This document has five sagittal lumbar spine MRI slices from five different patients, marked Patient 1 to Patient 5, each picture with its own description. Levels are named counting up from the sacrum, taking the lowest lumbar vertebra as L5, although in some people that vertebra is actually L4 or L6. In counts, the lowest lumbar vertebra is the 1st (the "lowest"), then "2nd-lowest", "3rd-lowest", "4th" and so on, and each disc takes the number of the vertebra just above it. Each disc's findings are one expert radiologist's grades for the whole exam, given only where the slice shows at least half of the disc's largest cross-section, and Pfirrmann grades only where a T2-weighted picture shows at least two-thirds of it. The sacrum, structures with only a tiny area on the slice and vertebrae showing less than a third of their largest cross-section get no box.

Patient 1 of 5:
Sagittal slice index 19, Field of view 280x283 mm, slice spacing 3.3 mm, Sagittal T2-weighted lumbar spine MRI
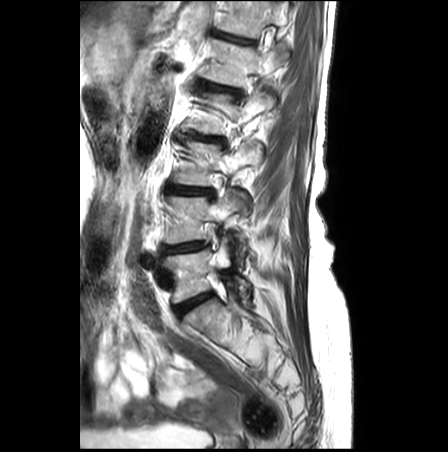

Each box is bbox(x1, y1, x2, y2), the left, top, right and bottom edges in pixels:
L2 (4th vertebra): bbox(187, 92, 275, 134).
Disc L3/L4 (3rd-lowest disc): bbox(168, 187, 212, 196).
Disc L2/L3 (4th disc): bbox(188, 135, 220, 141).
T12 (6th vertebra): bbox(218, 1, 288, 38).
L5/S1 (lowest disc): bbox(175, 294, 211, 315).
Disc T12/L1 (6th disc): bbox(218, 33, 254, 44).
L1/L2 (5th disc): bbox(207, 84, 237, 92).
L4 (2nd-lowest vertebra): bbox(164, 190, 248, 262).
L5 (lowest vertebra): bbox(166, 236, 249, 303).
L3 (3rd-lowest vertebra): bbox(174, 141, 261, 186).
L1 (5th vertebra): bbox(203, 40, 288, 86).
Disc L4/L5 (2nd-lowest disc): bbox(162, 242, 207, 254).

Per-level radiological findings:
• L4/L5 (2nd-lowest disc): disc bulging, Modic type II, lower-endplate change, disc narrowing, upper-endplate change
• T12/L1 (6th disc): upper-endplate change, lower-endplate change
• L3/L4 (3rd-lowest disc): disc narrowing, lower-endplate change, upper-endplate change, Modic type II, disc bulging

Patient 2 of 5:
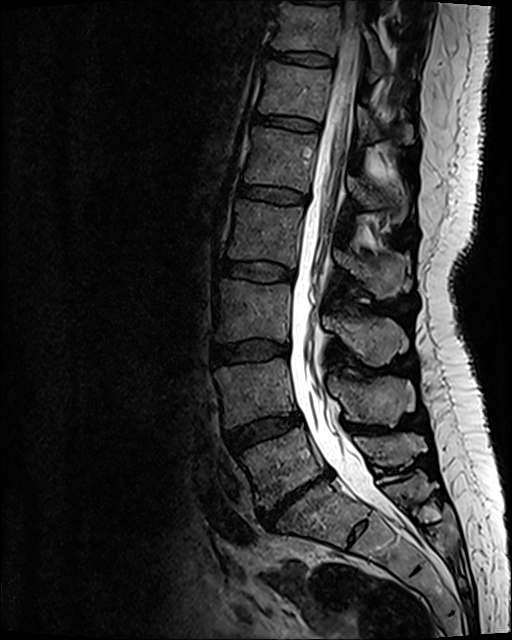

Slice 64 of 120 | Field of view 240x300 mm, slice spacing 0.9 mm | Sagittal T2 SPACE (3D) lumbar spine MRI
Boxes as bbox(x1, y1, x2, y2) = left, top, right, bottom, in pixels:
* lowest vertebra: bbox(241, 428, 425, 508)
* 4th vertebra: bbox(228, 201, 409, 300)
* 5th vertebra: bbox(245, 128, 407, 223)
* 3rd-lowest disc: bbox(212, 339, 288, 364)
* 3rd-lowest vertebra: bbox(216, 281, 407, 365)
* 6th vertebra: bbox(259, 63, 412, 141)
* 4th disc: bbox(218, 260, 294, 280)
* 5th disc: bbox(239, 184, 306, 204)
* 6th disc: bbox(255, 115, 319, 131)
* 2nd-lowest vertebra: bbox(215, 358, 414, 426)
* 2nd-lowest disc: bbox(227, 412, 301, 451)
* 7th disc: bbox(268, 50, 331, 65)
* spinal canal: bbox(290, 1, 404, 524)
* 7th vertebra: bbox(273, 5, 385, 71)
* lowest disc: bbox(258, 470, 331, 526)

Per-level radiological findings:
• 3rd-lowest disc: Pfirrmann grade 2, disc bulging
• 2nd-lowest disc: Pfirrmann grade 3, disc bulging
• 6th disc: Pfirrmann grade 2
• lowest disc: Pfirrmann grade 5, Modic type III, upper-endplate change, lower-endplate change, disc herniation, disc narrowing, disc bulging
• 5th disc: Pfirrmann grade 2
• 4th disc: Pfirrmann grade 2
• 7th disc: Pfirrmann grade 2

Patient 3 of 5:
Lumbar spine MR, T2-weighted, sagittal | Slice 15/20 | Image 556x557
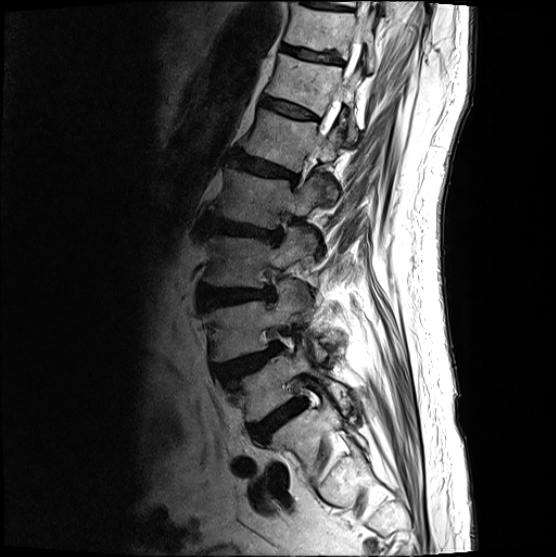
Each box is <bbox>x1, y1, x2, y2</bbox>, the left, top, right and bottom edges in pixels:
{"2nd-lowest disc": "<bbox>216, 342, 282, 382</bbox>", "lowest vertebra": "<bbox>228, 346, 345, 422</bbox>", "6th vertebra": "<bbox>266, 53, 360, 141</bbox>", "spinal canal": "<bbox>313, 1, 373, 154</bbox>", "3rd-lowest vertebra": "<bbox>203, 226, 312, 308</bbox>", "5th disc": "<bbox>228, 150, 299, 182</bbox>", "7th vertebra": "<bbox>284, 2, 377, 71</bbox>", "lowest disc": "<bbox>250, 399, 306, 442</bbox>", "6th disc": "<bbox>262, 97, 317, 119</bbox>", "4th vertebra": "<bbox>209, 166, 320, 247</bbox>", "2nd-lowest vertebra": "<bbox>204, 280, 327, 362</bbox>", "7th disc": "<bbox>281, 44, 343, 63</bbox>", "5th vertebra": "<bbox>241, 108, 339, 199</bbox>", "3rd-lowest disc": "<bbox>200, 286, 274, 308</bbox>", "4th disc": "<bbox>203, 212, 282, 241</bbox>"}

Radiological gradings:
- 2nd-lowest disc: spondylolisthesis, upper-endplate change, disc herniation
- lowest disc: Pfirrmann grade 4
- 4th disc: Pfirrmann grade 4, disc narrowing, upper-endplate change, disc bulging, lower-endplate change
- 3rd-lowest disc: Pfirrmann grade 4, disc bulging
- 7th disc: Pfirrmann grade 3, lower-endplate change
- 6th disc: Pfirrmann grade 3
- 5th disc: Pfirrmann grade 4, lower-endplate change, disc bulging, upper-endplate change

Patient 4 of 5:
Philips Healthcare Ingenia (3T); Slice 16/26; Lumbar spine MR, T2-weighted, sagittal
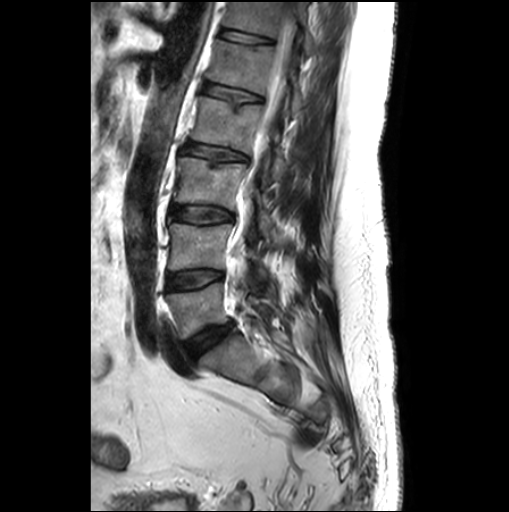
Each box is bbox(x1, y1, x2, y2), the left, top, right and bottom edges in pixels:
L4 vertebra at bbox(168, 223, 266, 276); L3 at bbox(174, 157, 272, 232); L3/L4 at bbox(170, 205, 233, 223); IVD L5/S1 at bbox(186, 322, 232, 357); L4/L5 at bbox(167, 270, 223, 290); L2/L3 at bbox(184, 143, 247, 160); IVD L1/L2 at bbox(206, 83, 261, 104); spinal canal at bbox(233, 14, 293, 251); L1 at bbox(207, 40, 304, 114); L5 vertebra at bbox(167, 282, 269, 338); L2 vertebra at bbox(191, 96, 287, 179); T12/L1 at bbox(220, 29, 272, 43); T12 vertebra at bbox(223, 2, 315, 55).

Per-level radiological findings:
  L4/L5: Pfirrmann grade 1
  L3/L4: Pfirrmann grade 1
  L1/L2: Pfirrmann grade 1, upper-endplate change, lower-endplate change
  L2/L3: Pfirrmann grade 1, lower-endplate change, upper-endplate change, disc bulging
  T12/L1: Pfirrmann grade 1
  L5/S1: Pfirrmann grade 3, disc bulging

Patient 5 of 5:
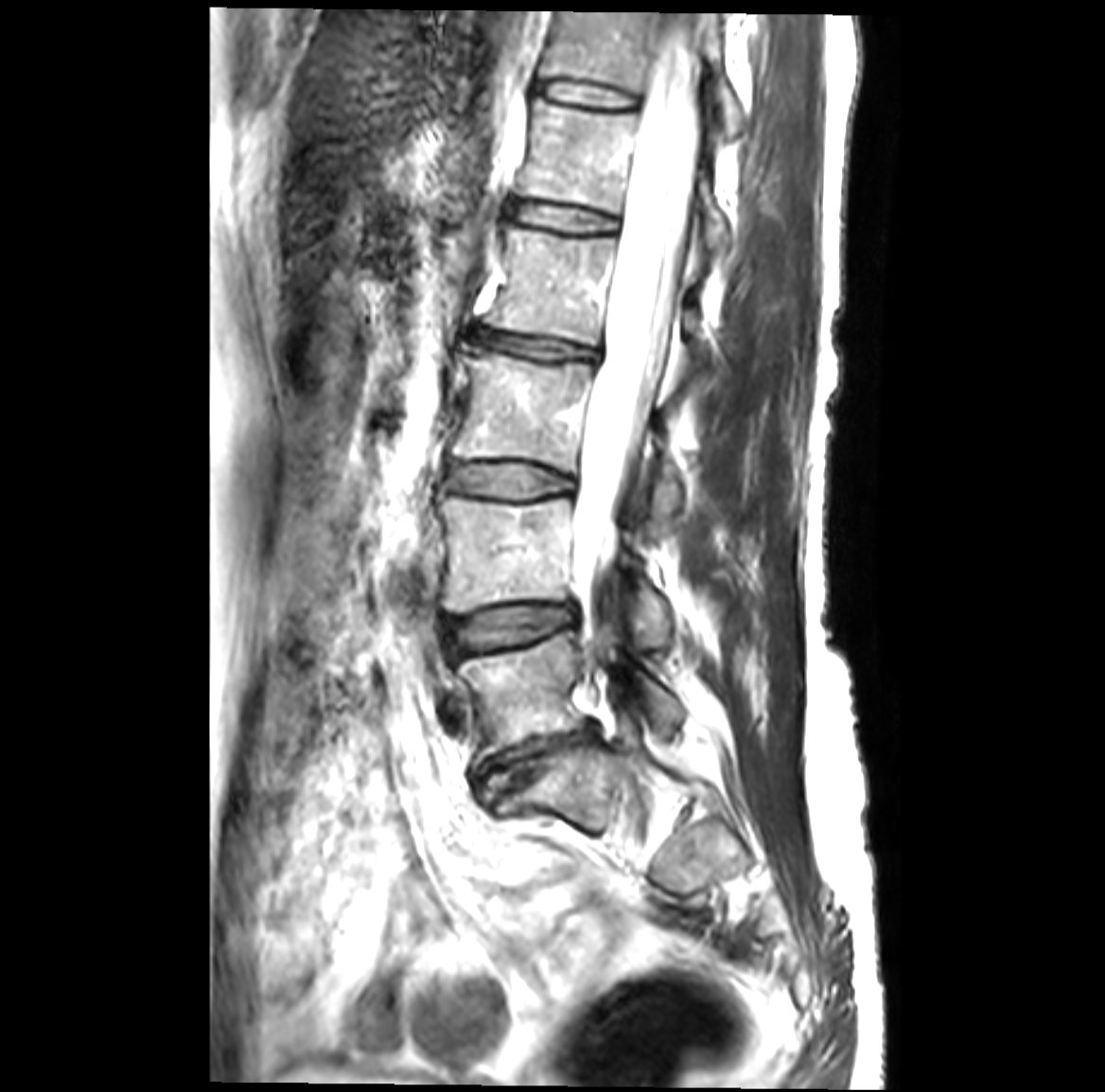

Sex F, T2-weighted sagittal MRI of the lumbar spine, 1105x1092 px
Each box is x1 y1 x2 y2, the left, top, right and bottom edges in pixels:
Annotations:
* 3rd-lowest vertebra at 453 345 681 537
* 6th disc at 538 81 633 109
* lowest vertebra at 442 625 679 754
* 5th disc at 515 203 617 232
* 3rd-lowest disc at 450 463 574 496
* 4th vertebra at 485 226 713 351
* 2nd-lowest disc at 448 607 573 649
* 2nd-lowest vertebra at 439 494 668 645
* 6th vertebra at 540 10 744 133
* 5th vertebra at 517 100 729 251
* thecal sac / spinal canal at 572 15 705 602
* lowest disc at 485 726 590 799
* 4th disc at 474 327 597 359

Expert MSK radiologist gradings (per disc):
- 6th disc: Pfirrmann grade 1
- 2nd-lowest disc: Pfirrmann grade 3, disc bulging, Modic type II
- lowest disc: Pfirrmann grade 4, disc narrowing, Modic type II, disc bulging
- 3rd-lowest disc: Pfirrmann grade 3, disc bulging, Modic type II
- 4th disc: Pfirrmann grade 3, disc narrowing, disc bulging, Modic type II
- 5th disc: Pfirrmann grade 1